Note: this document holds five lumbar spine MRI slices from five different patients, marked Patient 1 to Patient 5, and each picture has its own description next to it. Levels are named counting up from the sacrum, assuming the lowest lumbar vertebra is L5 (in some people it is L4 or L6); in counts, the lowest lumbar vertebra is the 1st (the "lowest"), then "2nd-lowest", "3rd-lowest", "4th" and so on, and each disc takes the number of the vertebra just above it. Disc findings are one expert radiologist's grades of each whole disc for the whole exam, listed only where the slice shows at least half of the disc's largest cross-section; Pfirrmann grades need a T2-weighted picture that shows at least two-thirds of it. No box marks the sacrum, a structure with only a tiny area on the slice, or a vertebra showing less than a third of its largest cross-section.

Patient 1 of 5:
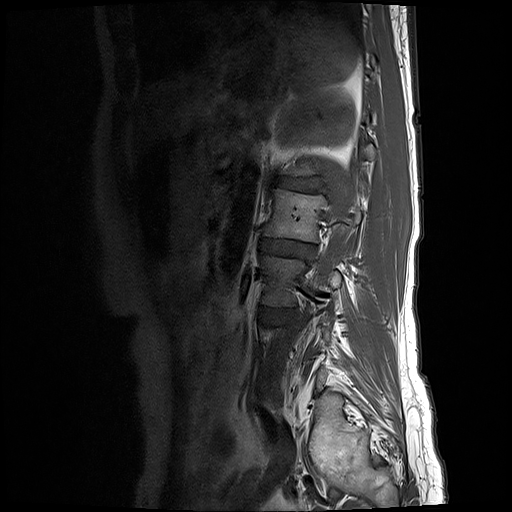 Patient sex: F. 512x512 px. Slice 4 of 25. MRI lumbar spine (T1-weighted), sagittal plane.

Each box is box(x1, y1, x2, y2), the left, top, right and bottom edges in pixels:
- L3 (3rd-lowest vertebra) = box(259, 255, 339, 306)
- intervertebral disc L2/L3 (4th disc) = box(258, 239, 316, 258)
- L2 (4th vertebra) = box(262, 189, 359, 243)
- intervertebral disc L1/L2 (5th disc) = box(274, 177, 322, 192)
- L3/L4 (3rd-lowest disc) = box(260, 308, 289, 321)

Degenerative findings by level:
  L2/L3 (4th disc): disc bulging, disc narrowing
  L1/L2 (5th disc): Modic type II, disc narrowing, lower-endplate change, disc bulging, upper-endplate change

Patient 2 of 5:
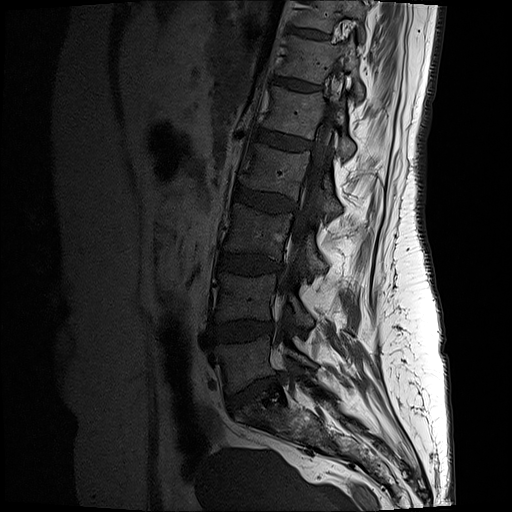

MRI lumbar spine (T1-weighted), sagittal plane, Sagittal slice index 11
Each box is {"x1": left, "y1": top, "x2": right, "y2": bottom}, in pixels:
2nd-lowest disc at {"x1": 215, "y1": 322, "x2": 273, "y2": 341}, 6th disc at {"x1": 273, "y1": 77, "x2": 321, "y2": 89}, 4th vertebra at {"x1": 240, "y1": 143, "x2": 341, "y2": 218}, 2nd-lowest vertebra at {"x1": 216, "y1": 272, "x2": 313, "y2": 326}, 6th vertebra at {"x1": 278, "y1": 35, "x2": 364, "y2": 99}, 3rd-lowest disc at {"x1": 218, "y1": 252, "x2": 281, "y2": 273}, 3rd-lowest vertebra at {"x1": 226, "y1": 203, "x2": 325, "y2": 273}, 5th disc at {"x1": 253, "y1": 128, "x2": 313, "y2": 149}, 5th vertebra at {"x1": 263, "y1": 86, "x2": 355, "y2": 157}, thecal sac / spinal canal at {"x1": 278, "y1": 71, "x2": 340, "y2": 354}, 7th vertebra at {"x1": 290, "y1": 0, "x2": 365, "y2": 31}, 4th disc at {"x1": 234, "y1": 186, "x2": 297, "y2": 210}, lowest vertebra at {"x1": 216, "y1": 335, "x2": 313, "y2": 391}, 7th disc at {"x1": 290, "y1": 26, "x2": 329, "y2": 38}, lowest disc at {"x1": 230, "y1": 378, "x2": 279, "y2": 404}.

Per-level radiological findings:
  2nd-lowest disc: disc bulging
  lowest disc: disc herniation, lower-endplate change, upper-endplate change, disc narrowing
  4th disc: disc bulging
  5th disc, 6th disc, 3rd-lowest disc, 7th disc: no spondylolisthesis, narrowing, bulging, herniation, Modic or endplate change recorded

Patient 3 of 5:
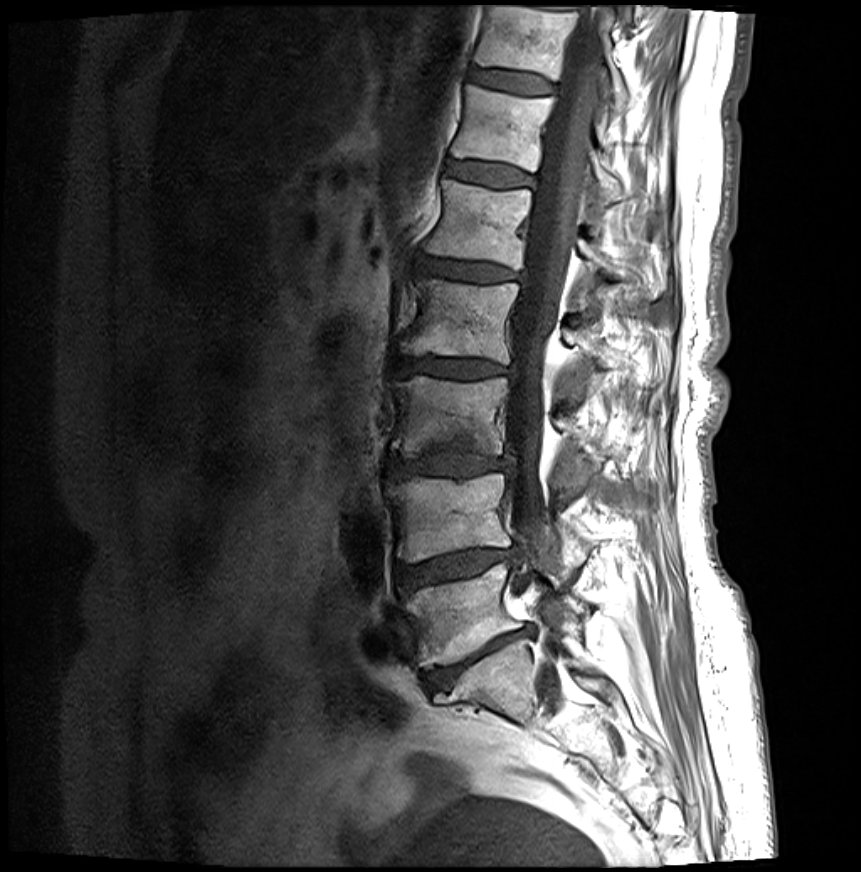
MRI lumbar spine (T1-weighted), sagittal plane; Patient sex: F; 861x872 px

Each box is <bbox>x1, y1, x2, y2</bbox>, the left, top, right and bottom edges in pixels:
L3/L4: <bbox>387, 450, 510, 477</bbox> | L4 vertebra: <bbox>387, 473, 586, 568</bbox> | T11: <bbox>474, 6, 629, 113</bbox> | intervertebral disc L5/S1: <bbox>424, 628, 529, 691</bbox> | L2 vertebra: <bbox>400, 280, 619, 367</bbox> | T12/L1: <bbox>447, 162, 534, 188</bbox> | intervertebral disc T11/T12: <bbox>469, 69, 554, 95</bbox> | L1 vertebra: <bbox>425, 180, 665, 298</bbox> | intervertebral disc L1/L2: <bbox>417, 257, 519, 282</bbox> | L3: <bbox>392, 376, 601, 484</bbox> | L4/L5: <bbox>397, 550, 513, 592</bbox> | T12: <bbox>452, 85, 623, 201</bbox> | thecal sac / spinal canal: <bbox>504, 7, 609, 639</bbox> | L5: <bbox>402, 564, 582, 668</bbox> | intervertebral disc L2/L3: <bbox>395, 357, 510, 377</bbox>

Expert MSK radiologist gradings (per disc):
  L5/S1: disc bulging, lower-endplate change, disc narrowing, Modic type II, upper-endplate change
  L2/L3: lower-endplate change, disc narrowing, upper-endplate change, Modic type II, disc bulging
  T12/L1: lower-endplate change, upper-endplate change, Modic type II
  L1/L2: disc bulging, Modic type II, upper-endplate change, lower-endplate change, disc narrowing
  T11/T12: Modic type II, upper-endplate change, lower-endplate change
  L3/L4: disc narrowing, disc bulging, lower-endplate change, Modic type II, upper-endplate change
  L4/L5: lower-endplate change, disc bulging, upper-endplate change, Modic type II, disc herniation, disc narrowing

Patient 4 of 5:
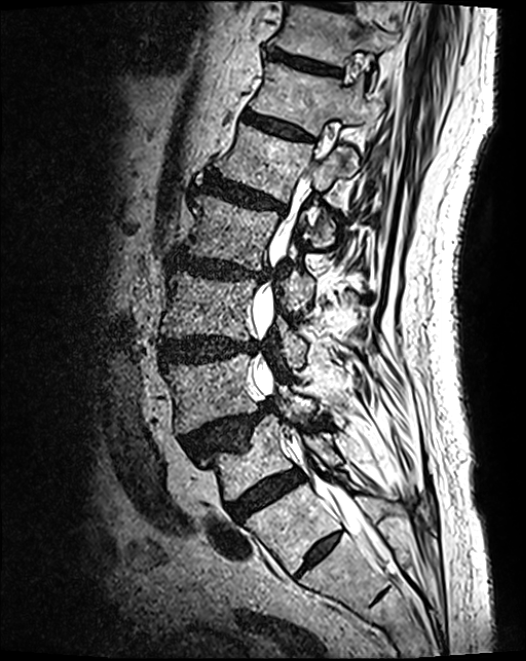 Sagittal slice index 51. Lumbar spine MR, T2 SPACE (3D), sagittal.
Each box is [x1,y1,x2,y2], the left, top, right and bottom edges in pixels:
Structures:
* disc L3/L4 (3rd-lowest disc) at [160,338,257,363]
* T11/T12 (7th disc) at [268,49,339,75]
* T12 (6th vertebra) at [251,63,373,171]
* L5 (lowest vertebra) at [201,416,340,501]
* L4 (2nd-lowest vertebra) at [165,356,314,433]
* L1 (5th vertebra) at [220,126,349,246]
* thecal sac / spinal canal at [253,168,386,561]
* disc L5/S1 (lowest disc) at [228,471,303,520]
* L2 (4th vertebra) at [183,195,316,312]
* disc T12/L1 (6th disc) at [244,113,310,141]
* L2/L3 (4th disc) at [171,253,269,282]
* L3 (3rd-lowest vertebra) at [162,272,312,367]
* L4/L5 (2nd-lowest disc) at [183,402,273,457]
* L1/L2 (5th disc) at [205,176,285,213]
* T11 (7th vertebra) at [277,6,393,66]

Radiological gradings:
• L3/L4 (3rd-lowest disc): Pfirrmann grade 4, disc bulging
• L2/L3 (4th disc): Pfirrmann grade 4, lower-endplate change, disc narrowing, upper-endplate change, disc bulging
• L5/S1 (lowest disc): Pfirrmann grade 4
• T11/T12 (7th disc): Pfirrmann grade 3, lower-endplate change
• T12/L1 (6th disc): Pfirrmann grade 3
• L4/L5 (2nd-lowest disc): Pfirrmann grade 4, disc herniation, upper-endplate change, spondylolisthesis
• L1/L2 (5th disc): Pfirrmann grade 4, disc bulging, upper-endplate change, lower-endplate change

Patient 5 of 5:
MRI lumbar spine (T2-weighted), sagittal plane, Sagittal slice index 8, Image 514x516, Philips Medical Systems Ingenia (1.5T) 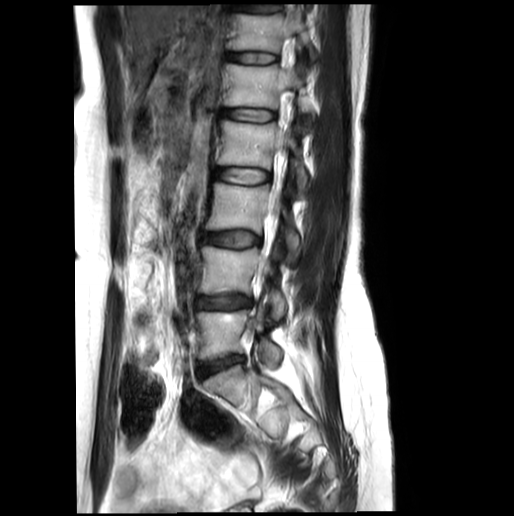
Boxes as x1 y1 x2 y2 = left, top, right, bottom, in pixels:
L4 vertebra: 198 246 286 319 | L3 vertebra: 205 183 300 256 | L5/S1: 197 355 243 377 | intervertebral disc L2/L3: 214 167 271 184 | intervertebral disc L1/L2: 222 108 276 121 | spinal canal: 271 192 280 229 | intervertebral disc L3/L4: 201 232 262 247 | T12/L1: 226 52 277 63 | L2 vertebra: 217 120 307 192 | L1: 223 64 314 130 | intervertebral disc L4/L5: 195 295 251 309 | T12 vertebra: 226 12 317 61 | L5 vertebra: 196 303 282 366

Degenerative findings by level:
- L5/S1: disc narrowing, disc bulging
- L3/L4: Pfirrmann grade 3
- L1/L2: Pfirrmann grade 2
- L4/L5: Pfirrmann grade 3, disc bulging, disc narrowing
- T12/L1: Pfirrmann grade 2
- L2/L3: Pfirrmann grade 2